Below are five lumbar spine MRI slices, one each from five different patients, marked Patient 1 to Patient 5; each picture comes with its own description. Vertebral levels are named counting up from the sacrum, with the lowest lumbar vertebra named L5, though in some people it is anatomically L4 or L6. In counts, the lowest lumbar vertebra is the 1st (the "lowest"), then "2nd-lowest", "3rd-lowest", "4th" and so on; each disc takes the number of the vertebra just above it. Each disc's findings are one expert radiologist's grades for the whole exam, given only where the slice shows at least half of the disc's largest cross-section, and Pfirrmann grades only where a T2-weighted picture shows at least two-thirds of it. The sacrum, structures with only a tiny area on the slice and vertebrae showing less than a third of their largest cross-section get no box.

Patient 1 of 5:
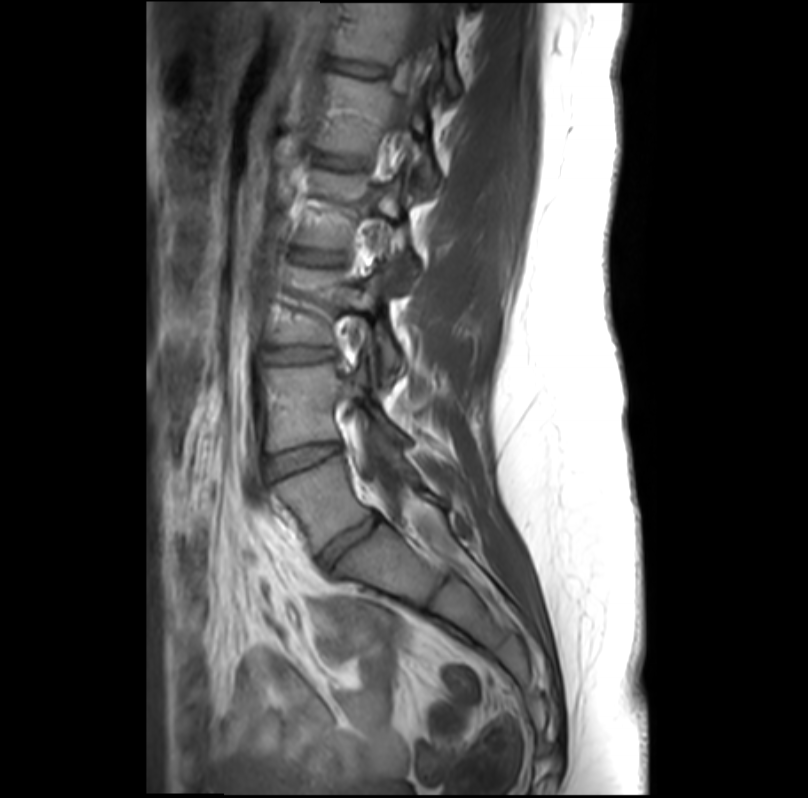

808x798 px; Sagittal T1-weighted lumbar spine MRI
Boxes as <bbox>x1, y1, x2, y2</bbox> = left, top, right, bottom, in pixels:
Annotations:
* 5th disc = <bbox>316, 153, 367, 169</bbox>
* 5th vertebra = <bbox>316, 72, 440, 191</bbox>
* 4th disc = <bbox>294, 249, 345, 264</bbox>
* thecal sac / spinal canal = <bbox>358, 3, 456, 555</bbox>
* 3rd-lowest disc = <bbox>268, 346, 333, 361</bbox>
* 6th vertebra = <bbox>329, 3, 461, 97</bbox>
* lowest vertebra = <bbox>277, 455, 451, 551</bbox>
* 3rd-lowest vertebra = <bbox>271, 266, 406, 387</bbox>
* 6th disc = <bbox>331, 59, 384, 76</bbox>
* 2nd-lowest disc = <bbox>273, 443, 340, 474</bbox>
* 2nd-lowest vertebra = <bbox>266, 364, 413, 450</bbox>
* 4th vertebra = <bbox>299, 170, 420, 295</bbox>
* lowest disc = <bbox>321, 514, 381, 564</bbox>

Per-level radiological findings:
  3rd-lowest disc: disc bulging
  lowest disc: disc narrowing
  5th disc, 2nd-lowest disc, 6th disc: no herniation, bulging, narrowing, spondylolisthesis, endplate or Modic change recorded

Patient 2 of 5:
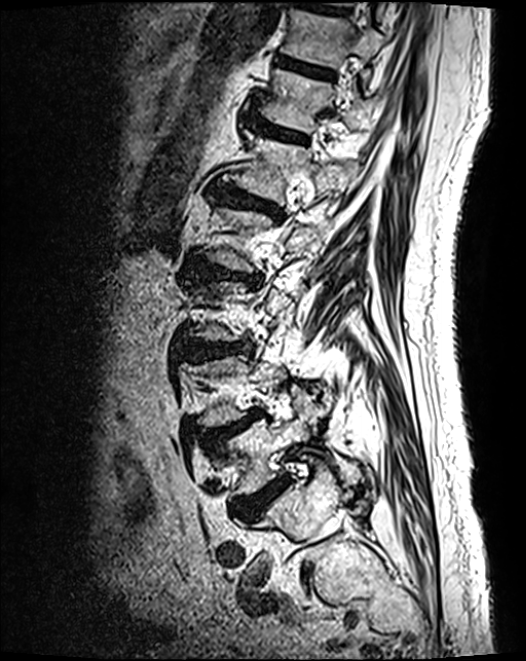
Sagittal T2 SPACE (3D) lumbar spine MRI; Patient sex: M; Slice spacing 0.9 mm
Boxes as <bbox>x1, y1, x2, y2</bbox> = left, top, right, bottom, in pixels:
Structures:
• IVD L3/L4 (3rd-lowest disc) — <bbox>182, 343, 251, 362</bbox>
• L1 (5th vertebra) — <bbox>229, 134, 356, 201</bbox>
• L5 (lowest vertebra) — <bbox>221, 401, 359, 495</bbox>
• L4/L5 (2nd-lowest disc) — <bbox>206, 412, 262, 447</bbox>
• L2/L3 (4th disc) — <bbox>199, 267, 260, 284</bbox>
• L5/S1 (lowest disc) — <bbox>234, 480, 286, 519</bbox>
• L4 (2nd-lowest vertebra) — <bbox>190, 357, 283, 426</bbox>
• IVD L1/L2 (5th disc) — <bbox>213, 185, 281, 217</bbox>
• T12 (6th vertebra) — <bbox>263, 70, 371, 135</bbox>
• T11 (7th vertebra) — <bbox>282, 10, 385, 67</bbox>
• IVD T12/L1 (6th disc) — <bbox>249, 120, 306, 142</bbox>
• L2 (4th vertebra) — <bbox>202, 208, 332, 272</bbox>
• IVD T11/T12 (7th disc) — <bbox>275, 57, 333, 77</bbox>

Degenerative findings by level:
  T11/T12 (7th disc): Pfirrmann grade 3, lower-endplate change
  L3/L4 (3rd-lowest disc): disc bulging
  T12/L1 (6th disc): Pfirrmann grade 3
  L1/L2 (5th disc): Pfirrmann grade 4, disc bulging, upper-endplate change, lower-endplate change
  L5/S1 (lowest disc): no spondylolisthesis, narrowing, bulging, herniation, Modic or endplate change recorded

Patient 3 of 5:
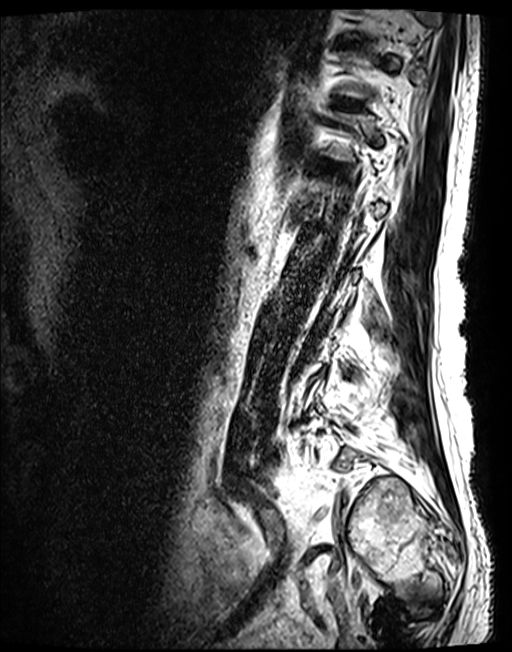 Slice 38/143, Image 512x652, Lumbar spine MR, T2 SPACE (3D), sagittal
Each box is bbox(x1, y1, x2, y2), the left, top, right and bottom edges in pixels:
6th disc at bbox(318, 160, 341, 171); 8th disc at bbox(339, 40, 359, 47); 7th disc at bbox(334, 98, 362, 108).

Patient 4 of 5:
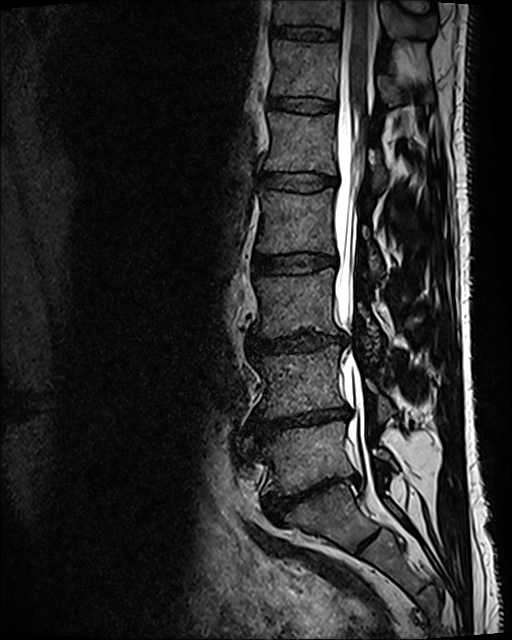

Lumbar spine MR, T2 SPACE (3D), sagittal
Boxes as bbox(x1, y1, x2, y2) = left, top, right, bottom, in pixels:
- 5th vertebra — bbox(266, 112, 386, 188)
- 6th disc — bbox(270, 97, 335, 112)
- thecal sac / spinal canal — bbox(333, 1, 375, 488)
- lowest disc — bbox(263, 479, 337, 522)
- 7th disc — bbox(270, 26, 341, 41)
- lowest vertebra — bbox(260, 422, 395, 495)
- 3rd-lowest vertebra — bbox(254, 268, 380, 352)
- 6th vertebra — bbox(271, 40, 431, 106)
- 5th disc — bbox(259, 172, 336, 191)
- 7th vertebra — bbox(273, 0, 438, 39)
- 4th disc — bbox(253, 255, 335, 275)
- 2nd-lowest vertebra — bbox(255, 345, 394, 422)
- 2nd-lowest disc — bbox(254, 407, 349, 440)
- 3rd-lowest disc — bbox(251, 332, 343, 352)
- 4th vertebra — bbox(257, 187, 383, 275)

Per-level radiological findings:
• 7th disc: Pfirrmann grade 2
• 4th disc: Pfirrmann grade 2
• 3rd-lowest disc: Pfirrmann grade 3, disc narrowing, disc bulging
• 2nd-lowest disc: Pfirrmann grade 5, Modic type II, lower-endplate change, disc narrowing, disc bulging
• 5th disc: Pfirrmann grade 2
• lowest disc: disc bulging, lower-endplate change, disc narrowing, spondylolisthesis
• 6th disc: Pfirrmann grade 2

Patient 5 of 5:
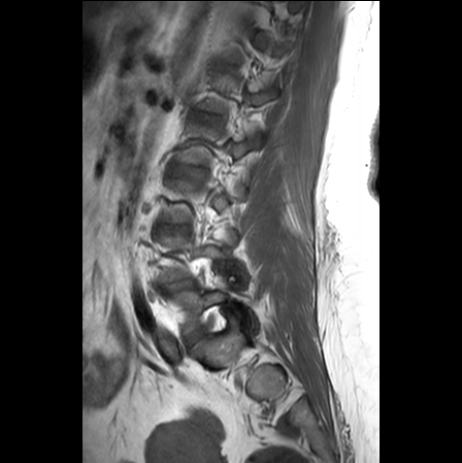
T1-weighted sagittal MRI of the lumbar spine. 462x463 px.
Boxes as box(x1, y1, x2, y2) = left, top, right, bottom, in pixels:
Segmented structures:
* intervertebral disc L5/S1 (lowest disc): box(187, 329, 201, 345)
* L5 (lowest vertebra): box(172, 289, 257, 334)
* L3/L4 (3rd-lowest disc): box(163, 225, 185, 233)
* L2/L3 (4th disc): box(176, 163, 199, 177)
* L4/L5 (2nd-lowest disc): box(162, 279, 195, 292)